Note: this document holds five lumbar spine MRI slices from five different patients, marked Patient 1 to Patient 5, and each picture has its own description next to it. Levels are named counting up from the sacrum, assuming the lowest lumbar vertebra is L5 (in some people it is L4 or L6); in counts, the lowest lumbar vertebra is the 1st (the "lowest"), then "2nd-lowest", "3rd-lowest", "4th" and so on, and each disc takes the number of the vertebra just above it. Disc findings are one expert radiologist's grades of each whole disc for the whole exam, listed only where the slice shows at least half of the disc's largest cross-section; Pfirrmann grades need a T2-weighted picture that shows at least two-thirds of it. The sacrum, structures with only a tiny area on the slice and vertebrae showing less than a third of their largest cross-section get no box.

Patient 1 of 5:
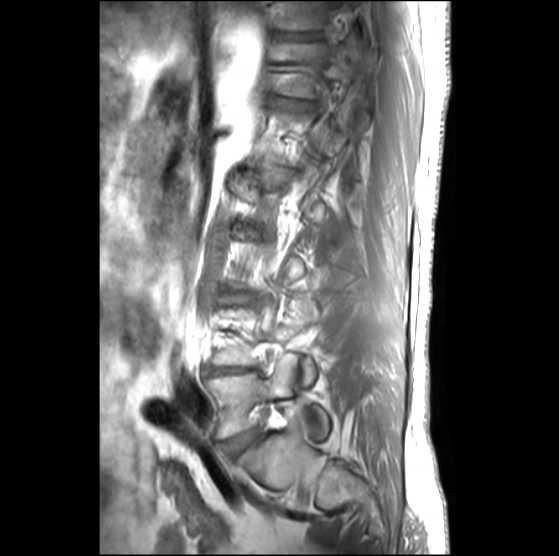 559x556 px; Field of view 282x281 mm, slice spacing 3.3 mm; Slice 7 of 27; MRI lumbar spine (T1-weighted), sagittal plane
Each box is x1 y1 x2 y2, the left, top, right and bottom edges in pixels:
L5 vertebra at 209 359 328 437.
L4/L5 at 206 366 251 372.
L5/S1 at 222 430 258 454.
IVD T11/T12 at 279 32 321 39.
T11 at 274 1 330 29.

Per-level radiological findings:
- L4/L5: lower-endplate change, Modic type II, disc narrowing, upper-endplate change

Patient 2 of 5:
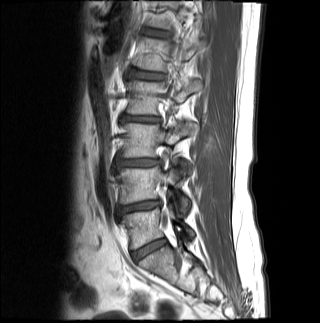

Slice 13 of 19 | 320x323 px | Lumbar spine MR, T1-weighted, sagittal

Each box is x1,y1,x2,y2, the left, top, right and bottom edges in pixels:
Annotations:
• 4th vertebra at 126,80,202,115
• 2nd-lowest vertebra at 119,167,188,213
• 4th disc at 122,116,160,121
• 3rd-lowest vertebra at 121,122,197,173
• 5th disc at 134,71,163,79
• lowest disc at 132,239,165,260
• 3rd-lowest disc at 117,159,160,167
• lowest vertebra at 122,206,193,249
• 5th vertebra at 135,38,196,72
• 2nd-lowest disc at 118,201,160,214

Degenerative findings by level:
  4th disc: upper-endplate change, lower-endplate change, disc narrowing, Modic type II, disc bulging
  5th disc: upper-endplate change, lower-endplate change
  2nd-lowest disc: disc narrowing, disc bulging, lower-endplate change
  3rd-lowest disc: disc bulging
  lowest disc: no spondylolisthesis, narrowing, bulging, herniation, Modic or endplate change recorded

Patient 3 of 5:
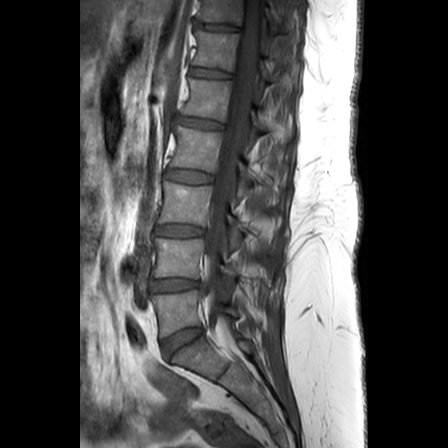 Sex F | T1-weighted sagittal MRI of the lumbar spine
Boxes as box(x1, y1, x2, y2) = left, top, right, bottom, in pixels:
Structures:
- 6th vertebra: box(193, 30, 298, 96)
- thecal sac / spinal canal: box(202, 0, 262, 326)
- 2nd-lowest vertebra: box(152, 237, 237, 292)
- lowest vertebra: box(151, 290, 237, 335)
- 4th vertebra: box(170, 125, 251, 199)
- 6th disc: box(190, 67, 229, 77)
- 5th vertebra: box(181, 78, 289, 140)
- 4th disc: box(165, 169, 212, 182)
- 3rd-lowest vertebra: box(159, 181, 241, 249)
- 2nd-lowest disc: box(151, 278, 198, 290)
- 3rd-lowest disc: box(156, 224, 203, 235)
- 5th disc: box(175, 115, 223, 129)
- 7th vertebra: box(197, 0, 274, 29)
- lowest disc: box(162, 327, 202, 356)
- 7th disc: box(196, 23, 236, 30)

Radiological gradings:
- 5th disc: disc bulging, Modic type II, upper-endplate change
- 3rd-lowest disc: upper-endplate change
- 2nd-lowest disc: disc narrowing
- 7th disc, lowest disc, 6th disc, 4th disc: no spondylolisthesis, narrowing, bulging, herniation, Modic or endplate change recorded

Patient 4 of 5:
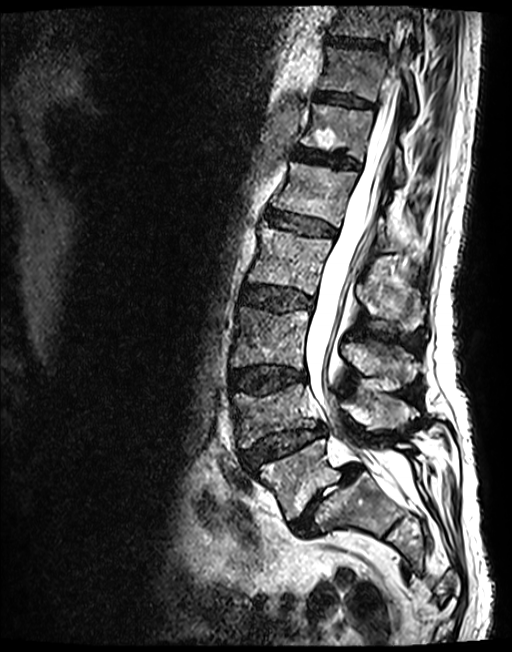 T2 SPACE (3D) sagittal MRI of the lumbar spine; Image 512x652

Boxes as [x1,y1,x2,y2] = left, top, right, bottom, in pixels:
Structures:
* 7th vertebra: [320,47,416,114]
* 4th vertebra: [248,225,424,331]
* 6th vertebra: [301,103,404,184]
* lowest disc: [291,464,360,536]
* 5th vertebra: [273,161,398,252]
* 2nd-lowest vertebra: [230,385,415,447]
* 2nd-lowest disc: [241,426,325,468]
* 3rd-lowest disc: [230,365,305,394]
* 3rd-lowest vertebra: [231,306,417,388]
* 6th disc: [293,147,359,168]
* 4th disc: [242,286,311,311]
* lowest vertebra: [254,439,413,519]
* 8th disc: [327,37,383,48]
* 8th vertebra: [330,4,421,41]
* 5th disc: [267,212,334,236]
* 7th disc: [315,92,371,107]
* spinal canal: [306,73,410,487]

Degenerative findings by level:
- 3rd-lowest disc: Pfirrmann grade 3, disc bulging, upper-endplate change, lower-endplate change
- 6th disc: Pfirrmann grade 3
- 4th disc: Pfirrmann grade 3, disc bulging
- lowest disc: Pfirrmann grade 5, Modic type II, disc herniation, disc narrowing, spondylolisthesis
- 8th disc: Pfirrmann grade 3
- 2nd-lowest disc: Pfirrmann grade 3, spondylolisthesis, disc narrowing, upper-endplate change, lower-endplate change, disc herniation
- 5th disc: Pfirrmann grade 3
- 7th disc: Pfirrmann grade 3

Patient 5 of 5:
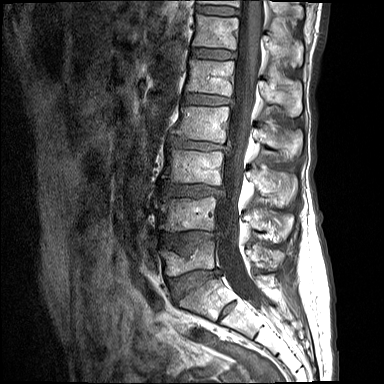
Slice spacing 4.4 mm. Sagittal T1-weighted lumbar spine MRI.

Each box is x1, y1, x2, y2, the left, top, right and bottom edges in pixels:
L3/L4 at 160, 184, 223, 197; T11 vertebra at 197, 0, 300, 15; disc L2/L3 at 171, 137, 226, 150; L1/L2 at 183, 93, 233, 105; T12 vertebra at 192, 14, 303, 67; T11/T12 at 196, 5, 239, 16; L3 at 162, 149, 297, 205; L5 vertebra at 159, 238, 284, 275; spinal canal at 216, 0, 263, 307; L1 at 185, 59, 302, 116; disc L4/L5 at 160, 231, 218, 256; disc L5/S1 at 167, 268, 220, 297; L2 vertebra at 174, 106, 302, 154; L4 at 154, 196, 294, 237; disc T12/L1 at 191, 48, 236, 59.

Per-level radiological findings:
- T12/L1: upper-endplate change, lower-endplate change
- L1/L2: upper-endplate change, disc bulging, lower-endplate change
- L2/L3: disc bulging, lower-endplate change, upper-endplate change, disc narrowing
- L4/L5: disc bulging, lower-endplate change, upper-endplate change
- L3/L4: disc bulging, lower-endplate change, upper-endplate change
- L5/S1: lower-endplate change, disc bulging, upper-endplate change, disc narrowing
- T11/T12: no herniation, bulging, narrowing, spondylolisthesis, endplate or Modic change recorded